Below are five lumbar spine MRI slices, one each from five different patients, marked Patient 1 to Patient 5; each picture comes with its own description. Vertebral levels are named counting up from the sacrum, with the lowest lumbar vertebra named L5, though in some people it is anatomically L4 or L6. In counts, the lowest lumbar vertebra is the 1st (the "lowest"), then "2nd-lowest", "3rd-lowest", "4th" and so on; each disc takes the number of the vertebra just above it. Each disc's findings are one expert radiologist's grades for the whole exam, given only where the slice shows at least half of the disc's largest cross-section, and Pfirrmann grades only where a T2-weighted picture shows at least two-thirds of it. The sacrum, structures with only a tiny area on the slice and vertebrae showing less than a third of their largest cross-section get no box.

Patient 1 of 5:
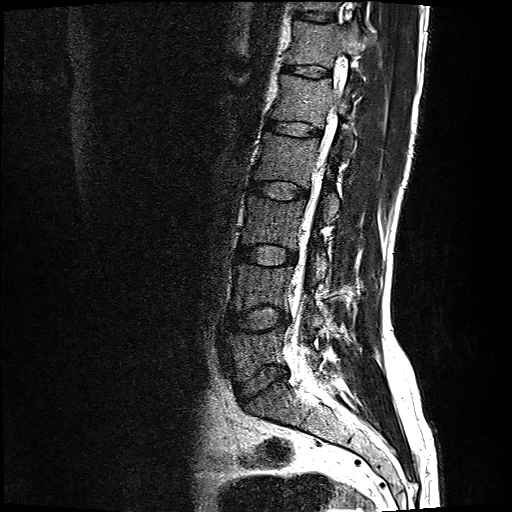
T2-weighted sagittal MRI of the lumbar spine; Sagittal slice index 12

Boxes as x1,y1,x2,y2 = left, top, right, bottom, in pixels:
2nd-lowest vertebra — 231,261,324,324.
3rd-lowest disc — 238,244,296,263.
6th disc — 283,64,329,76.
5th disc — 267,120,320,135.
7th vertebra — 298,0,340,10.
4th vertebra — 253,131,339,219.
2nd-lowest disc — 227,305,289,330.
Thecal sac / spinal canal — 293,140,330,366.
Lowest vertebra — 227,326,322,379.
7th disc — 297,11,334,21.
Lowest disc — 236,364,289,403.
4th disc — 251,180,309,198.
3rd-lowest vertebra — 241,190,328,277.
5th vertebra — 270,73,354,153.
6th vertebra — 286,19,372,88.

Degenerative findings by level:
• 3rd-lowest disc: Pfirrmann grade 2, disc bulging
• 6th disc: Pfirrmann grade 2
• 5th disc: Pfirrmann grade 2
• lowest disc: Pfirrmann grade 2, disc bulging
• 2nd-lowest disc: Pfirrmann grade 2, disc bulging
• 4th disc: Pfirrmann grade 2
• 7th disc: no herniation, bulging, narrowing, spondylolisthesis, endplate or Modic change recorded

Patient 2 of 5:
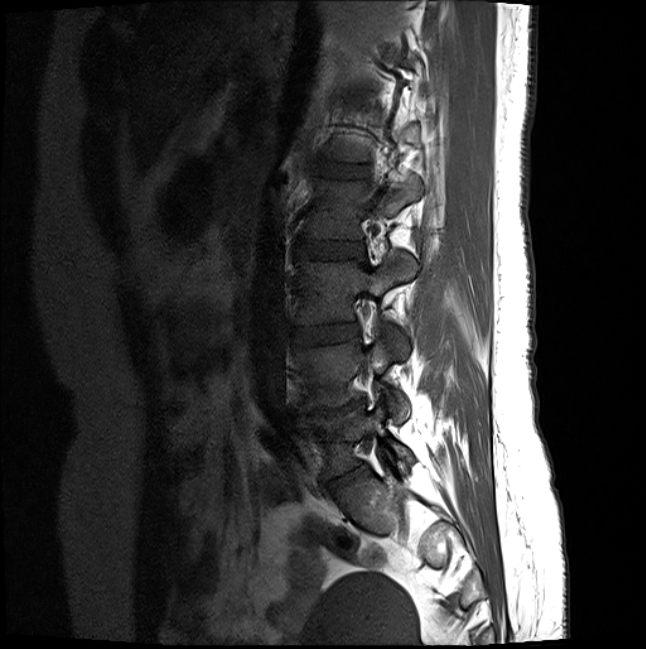 Patient sex: F, Lumbar spine MR, T1-weighted, sagittal
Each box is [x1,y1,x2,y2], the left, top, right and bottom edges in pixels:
L3/L4 at [293,323,357,344], L5/S1 at [328,465,366,490], L1/L2 at [315,160,369,176], L3 at [295,252,418,343], L2/L3 at [295,238,363,257], L4 vertebra at [294,336,409,422], IVD L4/L5 at [293,397,365,417], L5 at [296,405,413,476], L2 vertebra at [304,177,423,238].

Radiological gradings:
  L4/L5: disc narrowing, Modic type II, lower-endplate change, upper-endplate change, disc bulging
  L1/L2, L2/L3, L3/L4: no spondylolisthesis, narrowing, bulging, herniation, Modic or endplate change recorded

Patient 3 of 5:
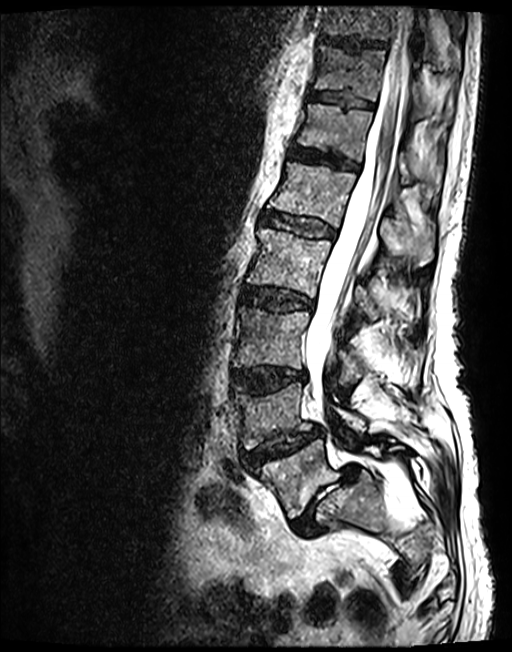 T2 SPACE (3D) sagittal MRI of the lumbar spine. 512x652 px. Slice 66/143.

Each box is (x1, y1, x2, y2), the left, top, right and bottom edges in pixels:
L3/L4 at (232, 367, 305, 393), L2/L3 at (242, 287, 311, 309), T11 at (315, 45, 448, 119), L5 vertebra at (253, 439, 412, 518), intervertebral disc T12/L1 at (290, 147, 357, 170), intervertebral disc L1/L2 at (264, 212, 333, 237), T12 vertebra at (297, 104, 440, 195), thecal sac / spinal canal at (305, 8, 413, 406), L2 at (247, 227, 414, 318), L1 at (268, 162, 432, 265), L5/S1 at (292, 465, 358, 535), L4/L5 at (243, 428, 321, 466), T10 vertebra at (322, 6, 455, 58), T10/T11 at (319, 35, 385, 49), L4 at (232, 385, 366, 449), L3 at (233, 307, 366, 383), T11/T12 at (309, 91, 372, 108).

Per-level radiological findings:
- T10/T11: Pfirrmann grade 3
- L3/L4: Pfirrmann grade 3, disc bulging, upper-endplate change, lower-endplate change
- L1/L2: Pfirrmann grade 3
- L5/S1: Pfirrmann grade 5, disc narrowing, spondylolisthesis, disc herniation, Modic type II
- T12/L1: Pfirrmann grade 3
- T11/T12: Pfirrmann grade 3
- L2/L3: Pfirrmann grade 3, disc bulging
- L4/L5: Pfirrmann grade 3, lower-endplate change, upper-endplate change, disc narrowing, disc herniation, spondylolisthesis

Patient 4 of 5:
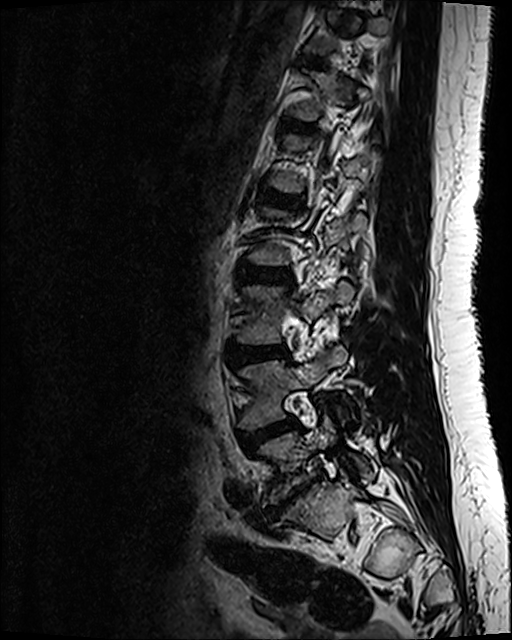 MRI lumbar spine (T2 SPACE (3D)), sagittal plane | Field of view 240x300 mm, slice spacing 0.9 mm

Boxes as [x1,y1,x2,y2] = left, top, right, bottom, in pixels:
• IVD T12/L1 (6th disc): [290,123,314,131]
• L4/L5 (2nd-lowest disc): [241,420,298,448]
• L3 (3rd-lowest vertebra): [237,282,352,344]
• L5 (lowest vertebra): [260,416,374,505]
• IVD L3/L4 (3rd-lowest disc): [228,347,287,365]
• L4 (2nd-lowest vertebra): [240,346,347,428]
• L5/S1 (lowest disc): [267,487,305,517]
• L2/L3 (4th disc): [239,266,289,280]
• L1/L2 (5th disc): [259,189,300,204]

Degenerative findings by level:
  L3/L4 (3rd-lowest disc): disc bulging
  L4/L5 (2nd-lowest disc): disc bulging
  L2/L3 (4th disc): no herniation, bulging, narrowing, spondylolisthesis, endplate or Modic change recorded

Patient 5 of 5:
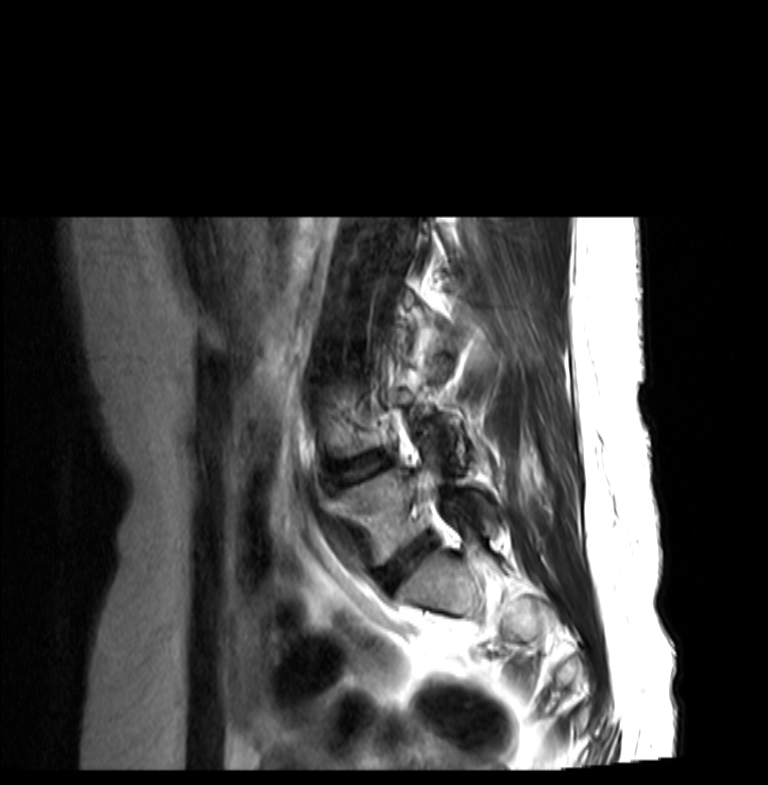
Sagittal slice index 17, Sagittal T2-weighted lumbar spine MRI, 768x785 px, Sex F

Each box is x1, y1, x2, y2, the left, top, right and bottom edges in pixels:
• L4/L5 at 331, 452, 393, 484
• L5 at 341, 447, 495, 565
• intervertebral disc L5/S1 at 377, 535, 432, 587

Degenerative findings by level:
  L4/L5: disc herniation